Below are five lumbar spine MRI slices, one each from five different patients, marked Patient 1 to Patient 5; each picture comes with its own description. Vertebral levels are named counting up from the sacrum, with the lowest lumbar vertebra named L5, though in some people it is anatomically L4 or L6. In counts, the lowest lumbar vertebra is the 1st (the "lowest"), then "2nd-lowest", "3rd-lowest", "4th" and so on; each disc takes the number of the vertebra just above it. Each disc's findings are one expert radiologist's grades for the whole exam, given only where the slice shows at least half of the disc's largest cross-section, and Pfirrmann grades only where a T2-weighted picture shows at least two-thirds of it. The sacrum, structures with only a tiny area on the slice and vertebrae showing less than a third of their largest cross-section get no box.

Patient 1 of 5:
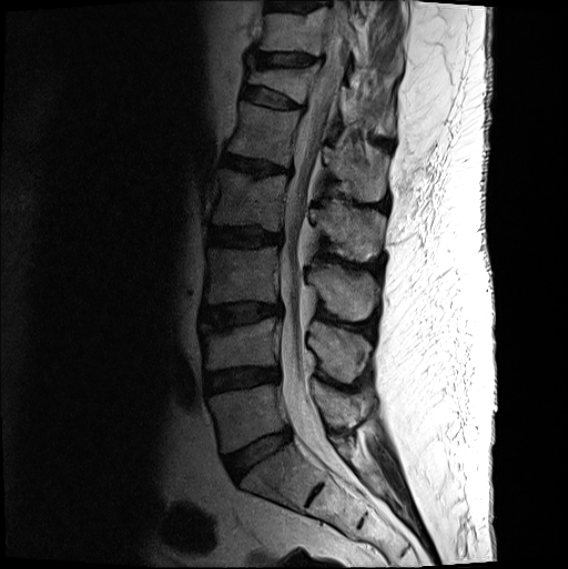

Sagittal T2-weighted lumbar spine MRI. Slice 9/19. Image 568x569. Sex M.

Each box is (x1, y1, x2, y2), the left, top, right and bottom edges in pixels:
- disc L3/L4 at (201, 302, 282, 326)
- L1/L2 at (222, 153, 291, 176)
- L4 vertebra at (201, 317, 371, 382)
- T12 vertebra at (247, 63, 392, 134)
- thecal sac / spinal canal at (280, 0, 347, 480)
- T12/L1 at (242, 86, 301, 108)
- disc L4/L5 at (205, 367, 279, 393)
- L2/L3 at (207, 226, 282, 246)
- L1 at (227, 101, 386, 201)
- L2 at (212, 168, 385, 261)
- disc T11/T12 at (247, 51, 321, 67)
- L5 vertebra at (209, 380, 369, 452)
- L3 vertebra at (204, 246, 377, 321)
- T11 at (258, 7, 402, 73)
- L5/S1 at (224, 429, 291, 480)

Radiological gradings:
- L1/L2: Pfirrmann grade 3, lower-endplate change, upper-endplate change, disc bulging, Modic type II, disc narrowing
- L2/L3: Pfirrmann grade 3, disc bulging, lower-endplate change
- T12/L1: Pfirrmann grade 2, lower-endplate change, upper-endplate change, spondylolisthesis, disc bulging
- L3/L4: Pfirrmann grade 3, upper-endplate change, Modic type II, disc bulging, lower-endplate change
- T11/T12: Pfirrmann grade 2, disc narrowing, upper-endplate change, disc bulging, lower-endplate change
- L4/L5: Pfirrmann grade 3, disc narrowing, disc bulging
- L5/S1: Pfirrmann grade 2, disc bulging

Patient 2 of 5:
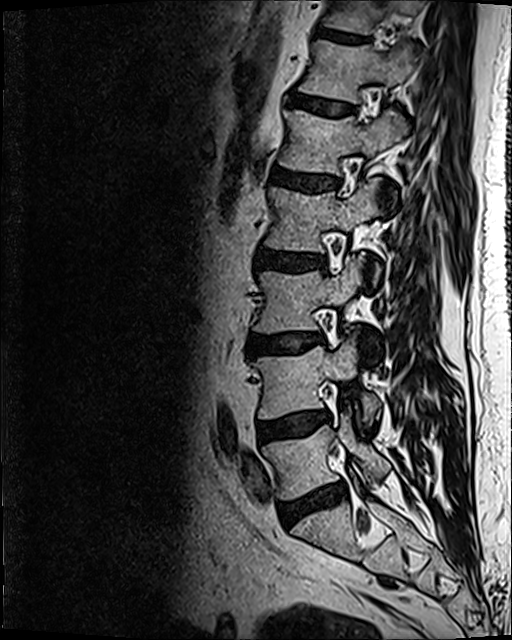

Patient sex: M. T2 SPACE (3D) sagittal MRI of the lumbar spine.
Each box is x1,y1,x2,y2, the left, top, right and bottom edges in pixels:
• L5 at 262,412,390,500
• L2/L3 at 256,250,322,268
• disc L1/L2 at 271,166,339,192
• L3/L4 at 245,333,321,355
• L2 at 265,180,382,283
• L1 vertebra at 279,110,407,201
• L4 at 256,335,379,424
• disc T12/L1 at 290,93,354,114
• L3 at 253,255,364,333
• disc L4/L5 at 257,411,328,443
• T11 vertebra at 323,0,422,33
• T12 vertebra at 299,41,416,103
• disc L5/S1 at 279,484,346,524
• disc T11/T12 at 318,27,370,43

Expert MSK radiologist gradings (per disc):
- L4/L5: Pfirrmann grade 2, Modic type II, disc bulging
- L1/L2: Pfirrmann grade 3, disc bulging
- T12/L1: Pfirrmann grade 2
- T11/T12: Pfirrmann grade 3
- L5/S1: Pfirrmann grade 3, disc narrowing, Modic type II, disc bulging
- L2/L3: disc bulging
- L3/L4: Pfirrmann grade 2, disc bulging, Modic type II

Patient 3 of 5:
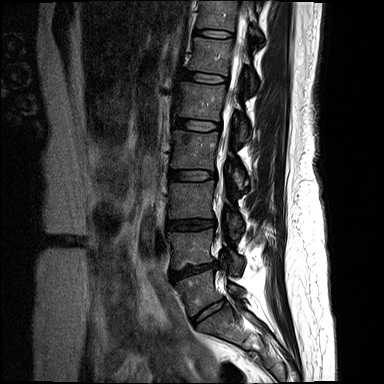

Sagittal T2-weighted lumbar spine MRI. Patient sex: F.
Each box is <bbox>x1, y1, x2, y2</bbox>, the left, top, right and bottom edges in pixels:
thecal sac / spinal canal: <bbox>215, 7, 248, 237</bbox> | T11 (7th vertebra): <bbox>198, 0, 261, 36</bbox> | L4 (2nd-lowest vertebra): <bbox>169, 229, 243, 274</bbox> | L3/L4 (3rd-lowest disc): <bbox>167, 219, 214, 229</bbox> | L5 (lowest vertebra): <bbox>176, 270, 243, 315</bbox> | IVD L4/L5 (2nd-lowest disc): <bbox>171, 262, 218, 280</bbox> | T12 (6th vertebra): <bbox>189, 37, 255, 90</bbox> | IVD L5/S1 (lowest disc): <bbox>192, 299, 225, 325</bbox> | L3 (3rd-lowest vertebra): <bbox>169, 181, 243, 238</bbox> | IVD T11/T12 (7th disc): <bbox>195, 29, 229, 37</bbox> | IVD L1/L2 (5th disc): <bbox>176, 118, 219, 130</bbox> | L2/L3 (4th disc): <bbox>169, 170, 215, 180</bbox> | L2 (4th vertebra): <bbox>171, 131, 248, 190</bbox> | IVD T12/L1 (6th disc): <bbox>183, 71, 227, 82</bbox> | L1 (5th vertebra): <bbox>175, 82, 247, 141</bbox>

Per-level radiological findings:
  T12/L1 (6th disc): Pfirrmann grade 2
  L2/L3 (4th disc): Pfirrmann grade 3, disc bulging
  L4/L5 (2nd-lowest disc): Modic type II, upper-endplate change, disc narrowing, disc herniation, lower-endplate change
  T11/T12 (7th disc): Pfirrmann grade 2
  L5/S1 (lowest disc): Pfirrmann grade 2
  L1/L2 (5th disc): Pfirrmann grade 2
  L3/L4 (3rd-lowest disc): Pfirrmann grade 4, disc bulging, upper-endplate change

Patient 4 of 5:
Patient sex: F | T2 SPACE (3D) sagittal MRI of the lumbar spine | 512x640 px | Slice 79/120 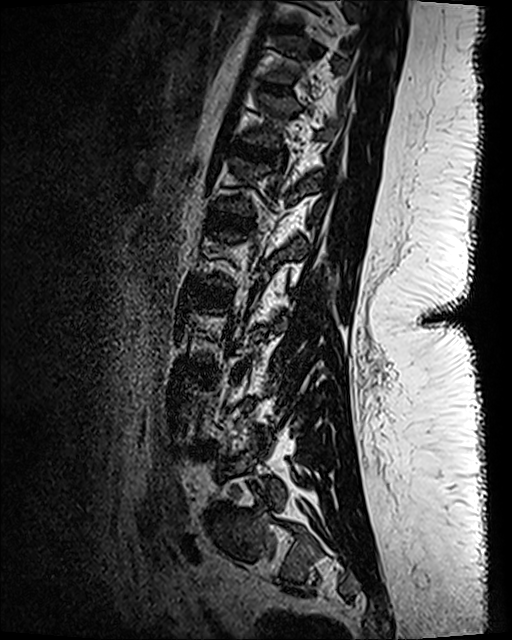

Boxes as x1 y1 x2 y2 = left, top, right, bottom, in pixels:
L1/L2 (5th disc): 210 211 248 230.
IVD T11/T12 (7th disc): 261 81 292 96.
IVD T12/L1 (6th disc): 229 139 282 165.
T10/T11 (8th disc): 278 26 300 33.
L5/S1 (lowest disc): 210 505 228 518.
L1 (5th vertebra): 213 157 320 215.
IVD L3/L4 (3rd-lowest disc): 190 366 214 373.
IVD L2/L3 (4th disc): 197 287 231 304.

Per-level radiological findings:
  T12/L1 (6th disc): Pfirrmann grade 1

Patient 5 of 5:
512x640 px | Scanner: SIEMENS Avanto_fit (1.5T) | MRI lumbar spine (T2 SPACE (3D)), sagittal plane
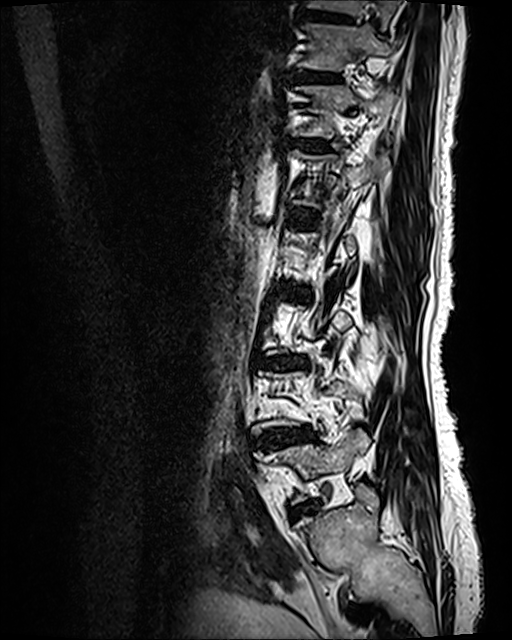
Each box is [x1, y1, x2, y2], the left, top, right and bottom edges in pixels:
Annotations:
- L5 vertebra: [270, 427, 369, 502]
- disc T10/T11: [302, 12, 349, 22]
- disc L3/L4: [262, 355, 304, 368]
- disc L1/L2: [287, 208, 314, 222]
- disc L2/L3: [292, 288, 308, 297]
- T10: [304, 0, 397, 28]
- T11: [297, 23, 394, 71]
- disc T11/T12: [296, 70, 338, 80]
- disc L4/L5: [258, 427, 313, 448]
- T12: [292, 84, 396, 137]
- disc T12/L1: [294, 139, 329, 151]

Radiological gradings:
- T10/T11: lower-endplate change, upper-endplate change
- L4/L5: upper-endplate change, disc narrowing, Modic type II, disc bulging, lower-endplate change